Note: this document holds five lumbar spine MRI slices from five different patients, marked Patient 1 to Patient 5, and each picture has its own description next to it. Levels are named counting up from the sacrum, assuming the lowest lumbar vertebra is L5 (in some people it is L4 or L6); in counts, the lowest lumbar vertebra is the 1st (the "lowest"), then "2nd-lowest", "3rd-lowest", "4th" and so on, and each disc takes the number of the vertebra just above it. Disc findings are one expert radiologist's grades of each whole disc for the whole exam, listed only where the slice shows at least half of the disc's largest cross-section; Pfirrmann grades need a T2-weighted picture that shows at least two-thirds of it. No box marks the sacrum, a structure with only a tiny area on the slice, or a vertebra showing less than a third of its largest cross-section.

Patient 1 of 5:
Lumbar spine MR, T2 SPACE (3D), sagittal, 512x640 px, Slice 50 of 120

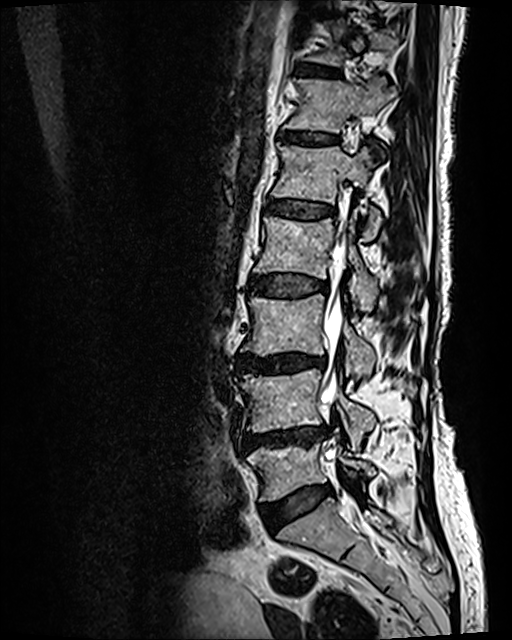

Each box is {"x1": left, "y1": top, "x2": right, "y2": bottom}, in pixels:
Disc L3/L4 = {"x1": 236, "y1": 352, "x2": 327, "y2": 373}.
L1 = {"x1": 271, "y1": 145, "x2": 381, "y2": 240}.
L2 vertebra = {"x1": 254, "y1": 212, "x2": 378, "y2": 312}.
Disc T12/L1 = {"x1": 282, "y1": 132, "x2": 336, "y2": 145}.
T12 = {"x1": 285, "y1": 77, "x2": 396, "y2": 132}.
T11/T12 = {"x1": 299, "y1": 66, "x2": 338, "y2": 77}.
Disc L5/S1 = {"x1": 261, "y1": 486, "x2": 330, "y2": 527}.
L1/L2 = {"x1": 266, "y1": 200, "x2": 334, "y2": 218}.
L4 vertebra = {"x1": 236, "y1": 369, "x2": 375, "y2": 450}.
Thecal sac / spinal canal = {"x1": 321, "y1": 223, "x2": 359, "y2": 512}.
L5 vertebra = {"x1": 247, "y1": 443, "x2": 375, "y2": 500}.
Disc L4/L5 = {"x1": 241, "y1": 426, "x2": 329, "y2": 450}.
L3 = {"x1": 242, "y1": 294, "x2": 377, "y2": 379}.
Disc L2/L3 = {"x1": 252, "y1": 274, "x2": 327, "y2": 297}.

Expert MSK radiologist gradings (per disc):
- L4/L5: Pfirrmann grade 4, upper-endplate change, disc narrowing, lower-endplate change, disc bulging, Modic type II
- L1/L2: Pfirrmann grade 3, upper-endplate change, Modic type II, lower-endplate change
- L3/L4: Pfirrmann grade 4, disc narrowing, disc bulging, lower-endplate change, upper-endplate change, Modic type II
- L2/L3: Pfirrmann grade 3, upper-endplate change, lower-endplate change, Modic type II, disc bulging
- T12/L1: Pfirrmann grade 2, lower-endplate change, upper-endplate change, Modic type II
- L5/S1: Pfirrmann grade 2, disc bulging

Patient 2 of 5:
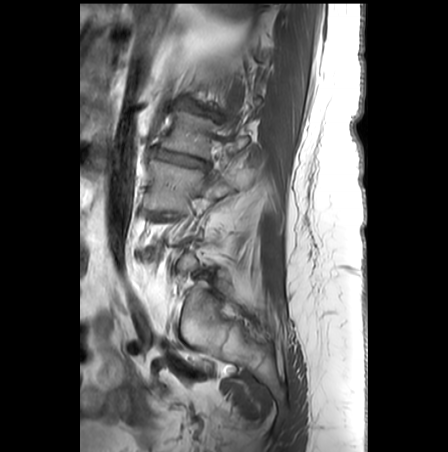 Slice 5 of 28. MRI lumbar spine (T1-weighted), sagittal plane. 448x452 px. Field of view 280x283 mm.
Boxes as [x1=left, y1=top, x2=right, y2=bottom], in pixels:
* intervertebral disc L1/L2 = [x1=179, y1=101, x2=211, y2=114]
* L3 = [x1=147, y1=159, x2=233, y2=211]
* L2 = [x1=161, y1=111, x2=247, y2=158]
* intervertebral disc L2/L3 = [x1=149, y1=148, x2=207, y2=167]

Expert MSK radiologist gradings (per disc):
  L2/L3: disc bulging, upper-endplate change, Modic type II, lower-endplate change, disc narrowing

Patient 3 of 5:
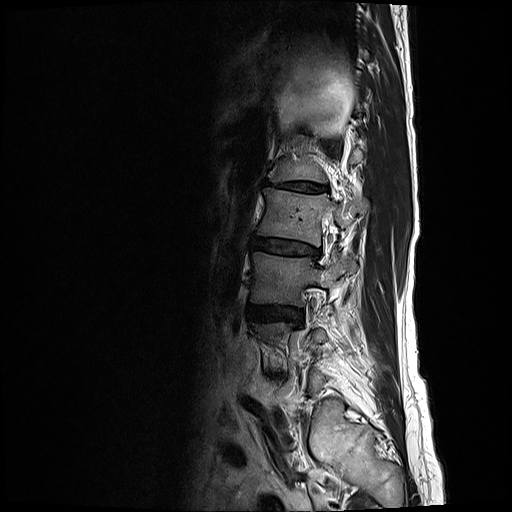 Sagittal T2-weighted lumbar spine MRI. Sex F. Sagittal slice index 5.
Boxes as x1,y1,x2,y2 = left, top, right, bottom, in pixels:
L3 (3rd-lowest vertebra) — 251,251,357,306 | L3/L4 (3rd-lowest disc) — 248,305,302,322 | L2 (4th vertebra) — 258,188,368,246 | L2/L3 (4th disc) — 252,236,321,260 | L1 (5th vertebra) — 272,135,362,182 | L1/L2 (5th disc) — 263,180,328,192

Per-level radiological findings:
• L3/L4 (3rd-lowest disc): Pfirrmann grade 3, disc bulging
• L2/L3 (4th disc): Pfirrmann grade 3, disc narrowing, disc bulging
• L1/L2 (5th disc): Pfirrmann grade 5, disc bulging, lower-endplate change, upper-endplate change, Modic type II, disc narrowing

Patient 4 of 5:
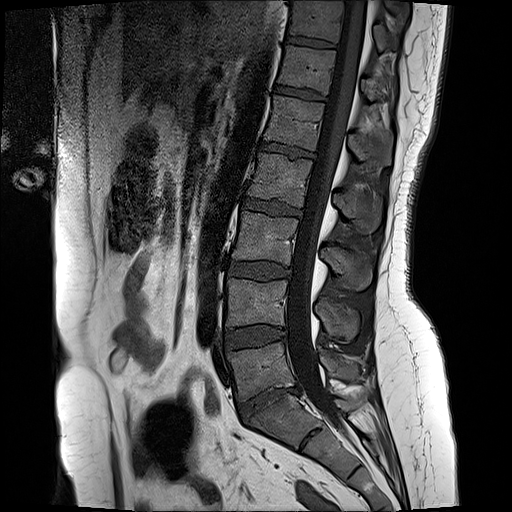 Lumbar spine MR, T1-weighted, sagittal; 512x512 px

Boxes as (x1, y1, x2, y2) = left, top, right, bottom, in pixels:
6th vertebra: (279, 47, 376, 100).
3rd-lowest vertebra: (233, 213, 371, 290).
4th vertebra: (246, 155, 380, 232).
Lowest disc: (238, 388, 300, 422).
2nd-lowest disc: (224, 327, 285, 350).
4th disc: (242, 199, 301, 216).
6th disc: (275, 86, 325, 103).
7th vertebra: (291, 2, 395, 50).
Lowest vertebra: (228, 343, 359, 400).
5th disc: (260, 143, 313, 158).
3rd-lowest disc: (228, 262, 290, 279).
7th disc: (286, 38, 334, 48).
2nd-lowest vertebra: (226, 280, 358, 342).
Spinal canal: (286, 1, 366, 438).
5th vertebra: (265, 96, 392, 166).

Per-level radiological findings:
• lowest disc: disc narrowing, disc herniation, disc bulging
• 4th disc: lower-endplate change, disc bulging, upper-endplate change
• 2nd-lowest disc: disc bulging
• 5th disc: lower-endplate change, upper-endplate change
• 6th disc: upper-endplate change, lower-endplate change
• 3rd-lowest disc: disc bulging
• 7th disc: no herniation, bulging, narrowing, spondylolisthesis, endplate or Modic change recorded

Patient 5 of 5:
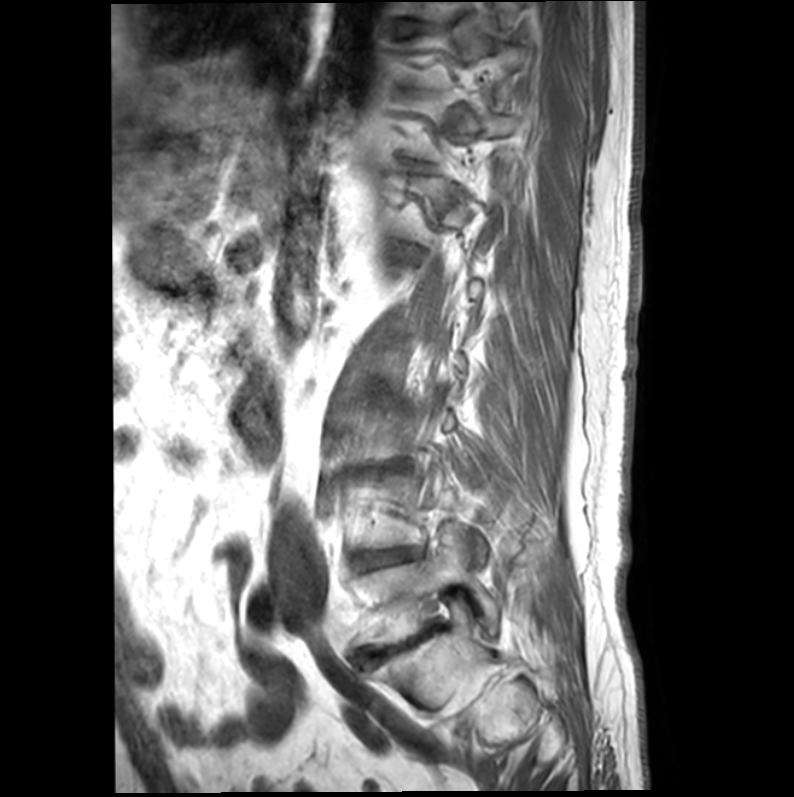

MRI lumbar spine (T1-weighted), sagittal plane, Patient sex: M

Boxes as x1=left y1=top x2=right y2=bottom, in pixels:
Lowest disc at x1=402 y1=634 x2=423 y2=646, lowest vertebra at x1=358 y1=532 x2=499 y2=646, 9th disc at x1=400 y1=21 x2=418 y2=31, 2nd-lowest disc at x1=361 y1=548 x2=409 y2=567.